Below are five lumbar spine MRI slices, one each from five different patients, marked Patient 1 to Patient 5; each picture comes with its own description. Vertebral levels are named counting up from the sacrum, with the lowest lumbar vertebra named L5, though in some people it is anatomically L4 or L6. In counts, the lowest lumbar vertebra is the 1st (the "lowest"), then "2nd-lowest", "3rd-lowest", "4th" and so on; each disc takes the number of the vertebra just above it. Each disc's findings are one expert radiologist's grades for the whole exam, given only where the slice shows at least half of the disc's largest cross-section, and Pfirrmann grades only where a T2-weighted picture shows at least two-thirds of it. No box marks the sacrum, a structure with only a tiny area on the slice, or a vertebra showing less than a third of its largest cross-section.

Patient 1 of 5:
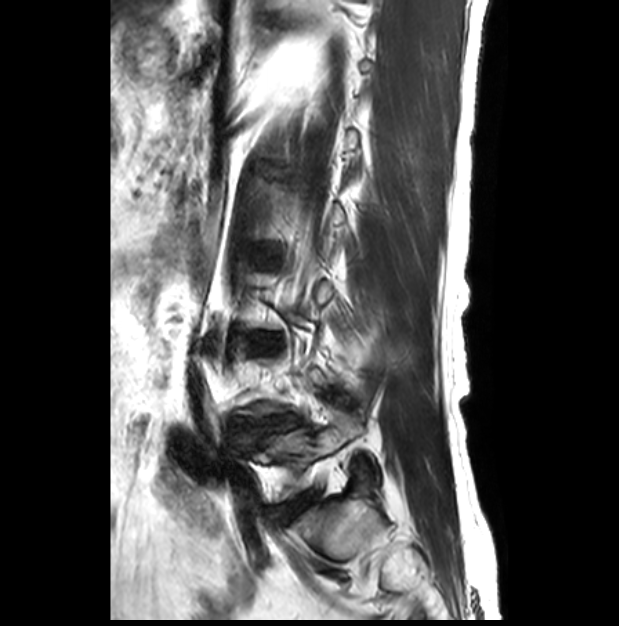
Sex M, T2-weighted sagittal MRI of the lumbar spine, Slice 7 of 28, Field of view 280x283 mm, Image 619x626
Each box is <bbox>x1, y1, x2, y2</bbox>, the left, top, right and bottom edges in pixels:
* L5 vertebra — <bbox>265, 413, 382, 498</bbox>
* disc L4/L5 — <bbox>272, 416, 290, 428</bbox>
* disc L5/S1 — <bbox>279, 494, 312, 518</bbox>

Patient 2 of 5:
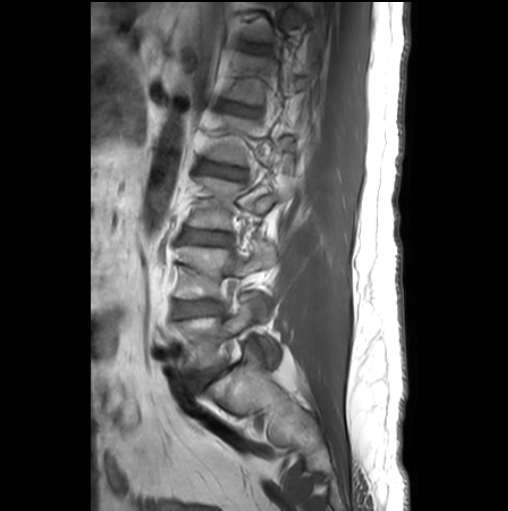 T1-weighted sagittal MRI of the lumbar spine; Image 508x511; Slice 20 of 26
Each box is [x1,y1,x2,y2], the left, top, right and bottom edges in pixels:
2nd-lowest vertebra at [174,246,275,316].
3rd-lowest disc at [182,229,229,244].
2nd-lowest disc at [174,300,221,316].
6th disc at [239,41,269,52].
Lowest vertebra at [175,296,274,370].
Lowest disc at [194,363,224,386].
5th disc at [221,102,254,115].
4th vertebra at [208,114,306,164].
4th disc at [197,161,244,178].
5th vertebra at [228,53,309,104].
3rd-lowest vertebra at [189,176,283,228].

Expert MSK radiologist gradings (per disc):
  2nd-lowest disc: Modic type II
  4th disc, 3rd-lowest disc: no herniation, bulging, narrowing, spondylolisthesis, endplate or Modic change recorded

Patient 3 of 5:
Slice 7 of 15; T1-weighted sagittal MRI of the lumbar spine; Image 320x320; Patient sex: F

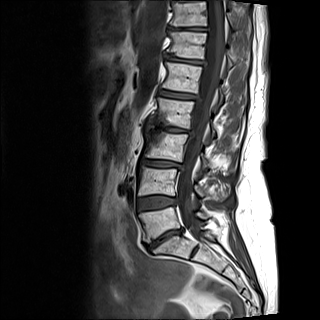
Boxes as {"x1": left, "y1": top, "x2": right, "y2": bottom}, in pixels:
Disc T11/T12 (7th disc) = {"x1": 168, "y1": 26, "x2": 209, "y2": 31}.
Disc L1/L2 (5th disc) = {"x1": 158, "y1": 89, "x2": 197, "y2": 99}.
L5/S1 (lowest disc) = {"x1": 147, "y1": 228, "x2": 183, "y2": 249}.
T12/L1 (6th disc) = {"x1": 165, "y1": 54, "x2": 205, "y2": 66}.
T12 (6th vertebra) = {"x1": 166, "y1": 1, "x2": 247, "y2": 67}.
T11 (7th vertebra) = {"x1": 170, "y1": 2, "x2": 233, "y2": 26}.
L5 (lowest vertebra) = {"x1": 139, "y1": 207, "x2": 209, "y2": 242}.
L2/L3 (4th disc) = {"x1": 147, "y1": 125, "x2": 189, "y2": 133}.
L3 (3rd-lowest vertebra) = {"x1": 143, "y1": 130, "x2": 219, "y2": 170}.
Disc L4/L5 (2nd-lowest disc) = {"x1": 137, "y1": 196, "x2": 176, "y2": 209}.
L4 (2nd-lowest vertebra) = {"x1": 138, "y1": 166, "x2": 227, "y2": 201}.
Thecal sac / spinal canal = {"x1": 177, "y1": 0, "x2": 224, "y2": 239}.
L1 (5th vertebra) = {"x1": 162, "y1": 61, "x2": 223, "y2": 104}.
Disc L3/L4 (3rd-lowest disc) = {"x1": 141, "y1": 159, "x2": 183, "y2": 169}.
L2 (4th vertebra) = {"x1": 154, "y1": 97, "x2": 215, "y2": 135}.

Degenerative findings by level:
- L3/L4 (3rd-lowest disc): upper-endplate change, disc narrowing, Modic type II, lower-endplate change, disc bulging
- L4/L5 (2nd-lowest disc): lower-endplate change, Modic type II, upper-endplate change, disc bulging
- L2/L3 (4th disc): upper-endplate change, disc bulging, Modic type III, lower-endplate change, disc narrowing
- T12/L1 (6th disc): upper-endplate change, lower-endplate change, disc narrowing, disc bulging, Modic type III
- L5/S1 (lowest disc): Modic type II, disc bulging, disc narrowing, lower-endplate change, upper-endplate change
- L1/L2 (5th disc): Modic type II, lower-endplate change, disc bulging, upper-endplate change
- T11/T12 (7th disc): disc narrowing, lower-endplate change, Modic type II, upper-endplate change, disc bulging

Patient 4 of 5:
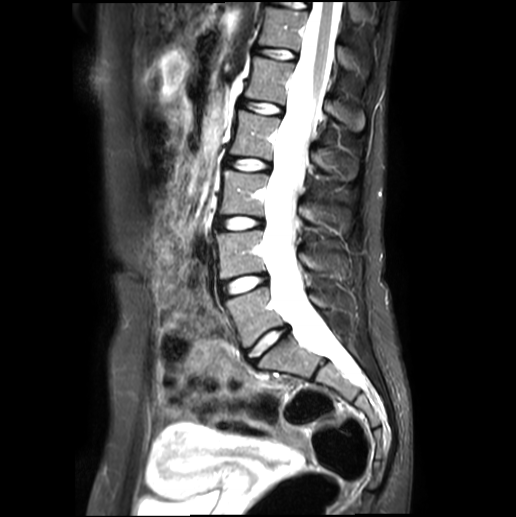 T2-weighted sagittal MRI of the lumbar spine

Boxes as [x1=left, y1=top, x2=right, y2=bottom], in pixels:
L2 vertebra = [x1=231, y1=110, x2=357, y2=181].
L5/S1 = [x1=247, y1=327, x2=289, y2=362].
L3 = [x1=220, y1=170, x2=346, y2=234].
Intervertebral disc T12/L1 = [x1=254, y1=47, x2=296, y2=60].
Intervertebral disc L4/L5 = [x1=219, y1=275, x2=267, y2=297].
L1/L2 = [x1=239, y1=98, x2=283, y2=114].
Spinal canal = [x1=263, y1=2, x2=353, y2=375].
L1 vertebra = [x1=244, y1=56, x2=365, y2=131].
Intervertebral disc L3/L4 = [x1=216, y1=216, x2=262, y2=230].
L4 = [x1=216, y1=230, x2=330, y2=279].
T12 vertebra = [x1=258, y1=6, x2=354, y2=69].
Intervertebral disc L2/L3 = [x1=226, y1=158, x2=270, y2=170].
L5 = [x1=224, y1=287, x2=323, y2=348].

Degenerative findings by level:
• L1/L2: Pfirrmann grade 1
• L5/S1: Pfirrmann grade 1
• L4/L5: Pfirrmann grade 1
• T12/L1: Pfirrmann grade 1
• L3/L4: Pfirrmann grade 1
• L2/L3: Pfirrmann grade 1

Patient 5 of 5:
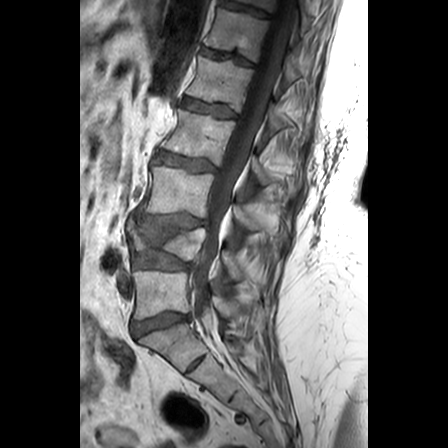

Sagittal T1-weighted lumbar spine MRI; Sex F; Slice spacing 3.3 mm

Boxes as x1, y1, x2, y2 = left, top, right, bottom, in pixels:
Lowest disc: 131, 312, 187, 336.
4th disc: 155, 151, 215, 171.
3rd-lowest vertebra: 143, 165, 266, 230.
2nd-lowest disc: 133, 250, 189, 269.
4th vertebra: 162, 108, 300, 196.
7th vertebra: 238, 0, 311, 29.
Lowest vertebra: 132, 269, 237, 319.
6th disc: 202, 48, 253, 66.
7th disc: 221, 0, 270, 18.
3rd-lowest disc: 137, 214, 205, 227.
5th disc: 182, 98, 236, 117.
6th vertebra: 204, 8, 299, 84.
5th vertebra: 186, 55, 308, 142.
2nd-lowest vertebra: 127, 217, 242, 279.
Thecal sac / spinal canal: 191, 0, 295, 333.

Radiological gradings:
• 3rd-lowest disc: upper-endplate change, lower-endplate change, disc bulging
• 2nd-lowest disc: lower-endplate change, disc bulging
• 4th disc: upper-endplate change, lower-endplate change
• 6th disc: lower-endplate change, upper-endplate change
• 7th disc: lower-endplate change
• lowest disc: disc bulging
• 5th disc: upper-endplate change